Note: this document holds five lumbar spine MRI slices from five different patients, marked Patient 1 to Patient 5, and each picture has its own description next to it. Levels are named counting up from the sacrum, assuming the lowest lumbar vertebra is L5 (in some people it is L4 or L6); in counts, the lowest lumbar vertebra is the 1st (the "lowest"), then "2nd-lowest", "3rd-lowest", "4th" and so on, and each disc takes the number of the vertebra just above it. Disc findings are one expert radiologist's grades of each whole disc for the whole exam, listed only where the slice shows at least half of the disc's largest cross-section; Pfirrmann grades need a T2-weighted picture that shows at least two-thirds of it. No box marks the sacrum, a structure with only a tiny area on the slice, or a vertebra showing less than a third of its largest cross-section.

Patient 1 of 5:
Lumbar spine MR, T2-weighted, sagittal
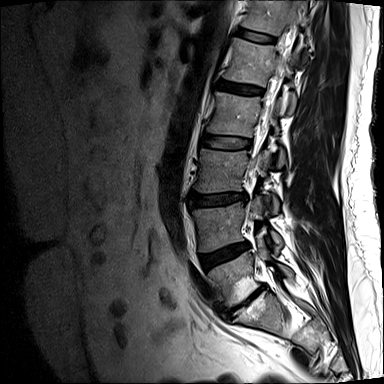 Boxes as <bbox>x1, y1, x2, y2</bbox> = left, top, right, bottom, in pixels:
L5 (lowest vertebra): <bbox>207, 240, 294, 305</bbox>.
Disc L5/S1 (lowest disc): <bbox>224, 286, 264, 313</bbox>.
Thecal sac / spinal canal: <bbox>252, 49, 287, 172</bbox>.
T12/L1 (6th disc): <bbox>236, 29, 275, 43</bbox>.
L4/L5 (2nd-lowest disc): <bbox>200, 242, 248, 268</bbox>.
L3/L4 (3rd-lowest disc): <bbox>190, 193, 246, 207</bbox>.
T12 (6th vertebra): <bbox>241, 0, 310, 65</bbox>.
L1 (5th vertebra): <bbox>223, 38, 296, 114</bbox>.
Disc L2/L3 (4th disc): <bbox>199, 134, 250, 149</bbox>.
L4 (2nd-lowest vertebra): <bbox>192, 197, 282, 253</bbox>.
Disc L1/L2 (5th disc): <bbox>217, 82, 262, 95</bbox>.
L3 (3rd-lowest vertebra): <bbox>192, 149, 278, 213</bbox>.
L2 (4th vertebra): <bbox>204, 92, 284, 167</bbox>.

Degenerative findings by level:
  T12/L1 (6th disc): Pfirrmann grade 2
  L2/L3 (4th disc): Pfirrmann grade 1
  L1/L2 (5th disc): Pfirrmann grade 4, upper-endplate change
  L4/L5 (2nd-lowest disc): Pfirrmann grade 4, lower-endplate change, disc narrowing, disc bulging
  L3/L4 (3rd-lowest disc): Pfirrmann grade 1, disc bulging
  L5/S1 (lowest disc): Pfirrmann grade 5, disc bulging, lower-endplate change, Modic type II, upper-endplate change, disc narrowing

Patient 2 of 5:
Patient sex: M; MRI lumbar spine (T2-weighted), sagittal plane

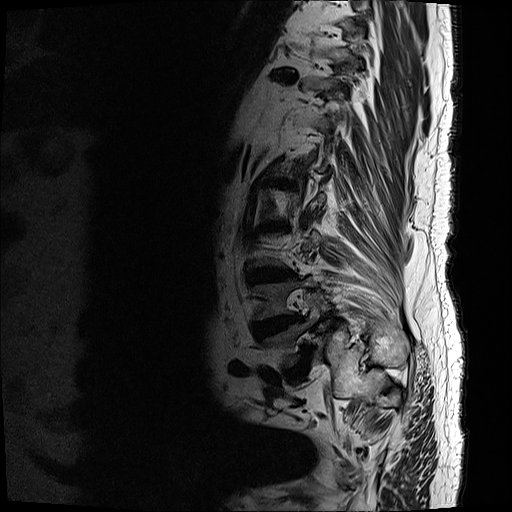

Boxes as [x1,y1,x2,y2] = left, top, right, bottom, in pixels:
L3/L4 at [249,268,293,285] | intervertebral disc L2/L3 at [263,220,291,232] | L5 at [263,305,319,364] | intervertebral disc T10/T11 at [271,70,299,83] | L1/L2 at [267,179,298,189] | L4 at [253,278,317,321] | intervertebral disc L4/L5 at [253,315,304,341] | L5/S1 at [287,350,311,381]

Expert MSK radiologist gradings (per disc):
• L5/S1: spondylolisthesis, lower-endplate change, upper-endplate change, disc bulging, Modic type II, disc narrowing
• L4/L5: Modic type II, upper-endplate change, lower-endplate change, disc narrowing, disc bulging
• L3/L4: disc narrowing, upper-endplate change, lower-endplate change, Modic type II, disc bulging

Patient 3 of 5:
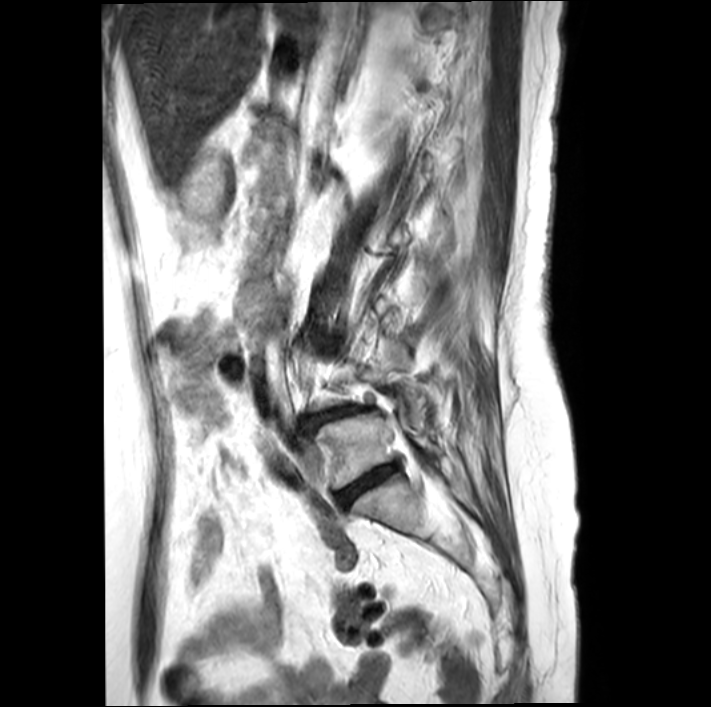 T2-weighted sagittal MRI of the lumbar spine | Field of view 310x308 mm | Patient sex: F
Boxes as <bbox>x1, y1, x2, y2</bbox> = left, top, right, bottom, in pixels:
Structures:
- disc L5/S1 — <bbox>337, 463, 396, 504</bbox>
- disc L4/L5 — <bbox>310, 408, 356, 423</bbox>
- L5 — <bbox>316, 408, 442, 487</bbox>

Radiological gradings:
• L5/S1: disc bulging, Modic type II, disc narrowing, lower-endplate change

Patient 4 of 5:
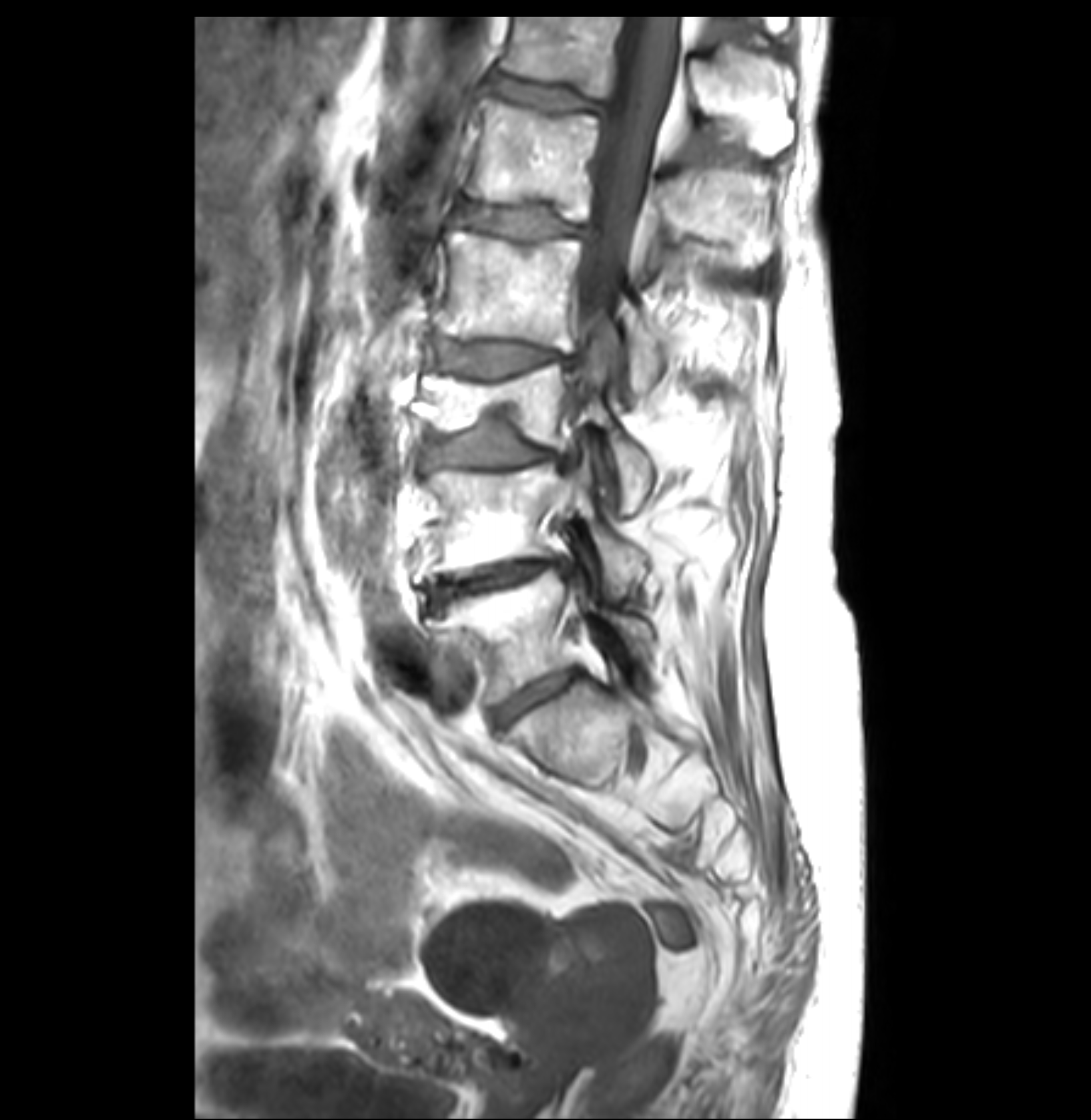
Slice 22/35; MRI lumbar spine (T1-weighted), sagittal plane; Field of view 280x287 mm, slice spacing 3.4 mm; Patient sex: F
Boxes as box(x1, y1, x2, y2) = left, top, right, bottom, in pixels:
L5 vertebra = box(426, 568, 654, 703).
L3 = box(414, 364, 652, 512).
L1/L2 = box(460, 203, 594, 242).
L3/L4 = box(424, 412, 570, 467).
L2 = box(436, 231, 667, 396).
L1 vertebra = box(465, 100, 779, 266).
L4 = box(424, 457, 647, 600).
Spinal canal = box(575, 15, 679, 361).
L2/L3 = box(429, 339, 579, 378).
L5/S1 = box(492, 671, 577, 725).
Disc L4/L5 = box(426, 559, 567, 610).
Disc T12/L1 = box(480, 68, 611, 118).
T12 = box(501, 15, 796, 156).

Expert MSK radiologist gradings (per disc):
• T12/L1: disc bulging, upper-endplate change
• L3/L4: Modic type II, upper-endplate change, disc bulging, disc narrowing
• L1/L2: lower-endplate change, upper-endplate change
• L4/L5: disc bulging, Modic type II, disc narrowing
• L2/L3: disc bulging, Modic type II

Patient 5 of 5:
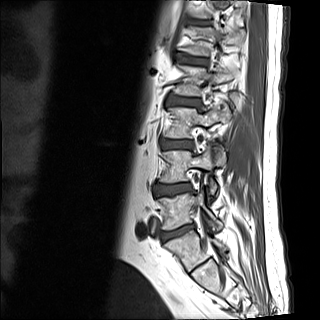 Slice 12 of 15, MRI lumbar spine (T1-weighted), sagittal plane
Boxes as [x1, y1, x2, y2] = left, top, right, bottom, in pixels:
L4 (2nd-lowest vertebra): [159, 148, 225, 194].
L3 (3rd-lowest vertebra): [164, 105, 227, 138].
L5 (lowest vertebra): [158, 189, 221, 230].
Disc L1/L2 (5th disc): [178, 55, 208, 64].
L3/L4 (3rd-lowest disc): [161, 140, 193, 148].
L2/L3 (4th disc): [168, 97, 200, 106].
L1 (5th vertebra): [179, 27, 244, 56].
Disc T12/L1 (6th disc): [193, 21, 209, 24].
L2 (4th vertebra): [173, 65, 235, 96].
Disc L4/L5 (2nd-lowest disc): [154, 184, 192, 195].
L5/S1 (lowest disc): [161, 225, 194, 241].

Expert MSK radiologist gradings (per disc):
  L2/L3 (4th disc): upper-endplate change, lower-endplate change, disc bulging, Modic type II
  L4/L5 (2nd-lowest disc): upper-endplate change, lower-endplate change, disc bulging
  L1/L2 (5th disc): upper-endplate change, Modic type II, lower-endplate change
  L5/S1 (lowest disc): upper-endplate change, Modic type II, lower-endplate change, disc herniation, disc narrowing
  L3/L4 (3rd-lowest disc): no Modic or endplate change, herniation, narrowing, bulging or spondylolisthesis recorded